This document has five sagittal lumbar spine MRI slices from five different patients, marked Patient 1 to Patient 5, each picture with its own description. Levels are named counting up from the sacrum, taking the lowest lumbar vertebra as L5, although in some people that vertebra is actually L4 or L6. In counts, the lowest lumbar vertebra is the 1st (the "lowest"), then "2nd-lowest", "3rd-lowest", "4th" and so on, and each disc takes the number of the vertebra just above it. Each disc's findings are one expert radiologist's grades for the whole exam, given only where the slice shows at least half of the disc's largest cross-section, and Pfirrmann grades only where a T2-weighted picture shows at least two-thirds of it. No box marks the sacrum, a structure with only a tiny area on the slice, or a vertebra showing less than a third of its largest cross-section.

Patient 1 of 5:
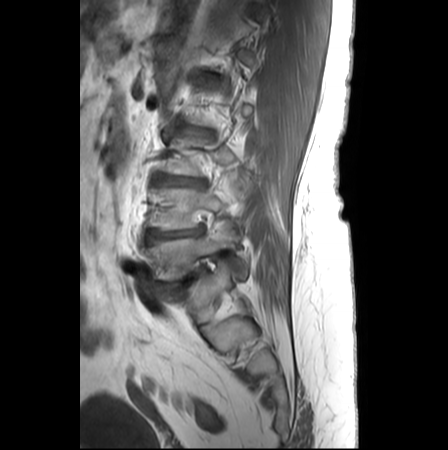
T1-weighted sagittal MRI of the lumbar spine

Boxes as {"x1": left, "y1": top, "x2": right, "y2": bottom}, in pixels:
IVD L2/L3 (4th disc): {"x1": 179, "y1": 125, "x2": 212, "y2": 137}
L4 (2nd-lowest vertebra): {"x1": 147, "y1": 181, "x2": 236, "y2": 229}
L4/L5 (2nd-lowest disc): {"x1": 144, "y1": 226, "x2": 204, "y2": 243}
L5 (lowest vertebra): {"x1": 144, "y1": 218, "x2": 247, "y2": 280}
L5/S1 (lowest disc): {"x1": 160, "y1": 269, "x2": 204, "y2": 291}
L3/L4 (3rd-lowest disc): {"x1": 153, "y1": 174, "x2": 204, "y2": 185}
IVD L1/L2 (5th disc): {"x1": 204, "y1": 74, "x2": 220, "y2": 82}

Radiological gradings:
  L5/S1 (lowest disc): upper-endplate change, disc narrowing, Modic type II, lower-endplate change, disc bulging
  L4/L5 (2nd-lowest disc): upper-endplate change, disc bulging, lower-endplate change, disc narrowing, Modic type II
  L3/L4 (3rd-lowest disc): disc narrowing, Modic type II, upper-endplate change, lower-endplate change, disc bulging

Patient 2 of 5:
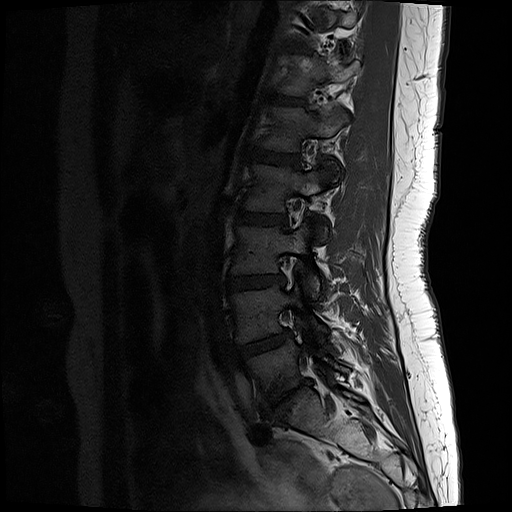
Sagittal T1-weighted lumbar spine MRI | Sex F | Slice 14 of 17
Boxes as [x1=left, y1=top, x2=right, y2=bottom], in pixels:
L4 vertebra — [x1=233, y1=285, x2=321, y2=341].
L4/L5 — [x1=236, y1=330, x2=290, y2=358].
L3 vertebra — [x1=233, y1=223, x2=318, y2=295].
L5 vertebra — [x1=249, y1=340, x2=348, y2=403].
L5/S1 — [x1=261, y1=380, x2=310, y2=415].
L2/L3 — [x1=237, y1=210, x2=286, y2=224].
T12 — [x1=282, y1=55, x2=358, y2=95].
Intervertebral disc T12/L1 — [x1=271, y1=94, x2=302, y2=104].
L1/L2 — [x1=250, y1=148, x2=297, y2=165].
L2 vertebra — [x1=244, y1=164, x2=334, y2=210].
L1 vertebra — [x1=262, y1=108, x2=346, y2=150].
Intervertebral disc L3/L4 — [x1=229, y1=276, x2=283, y2=289].

Expert MSK radiologist gradings (per disc):
  L4/L5: disc bulging
  L3/L4: disc bulging
  L2/L3, T12/L1, L1/L2: no herniation, bulging, narrowing, spondylolisthesis, endplate or Modic change recorded

Patient 3 of 5:
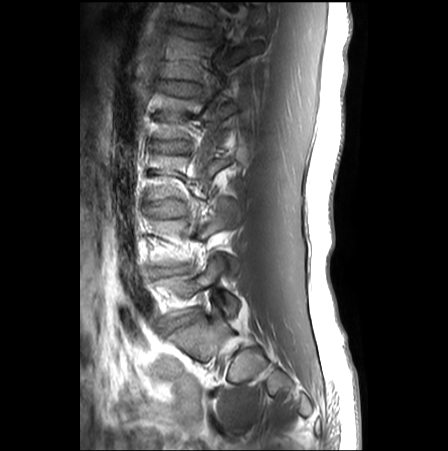
Sex M, MRI lumbar spine (T1-weighted), sagittal plane

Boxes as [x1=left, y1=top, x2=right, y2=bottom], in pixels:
L5 at [x1=153, y1=257, x2=238, y2=317], disc T12/L1 at [x1=178, y1=26, x2=201, y2=37], disc L3/L4 at [x1=147, y1=200, x2=186, y2=217], L1 at [x1=164, y1=37, x2=260, y2=80], disc L1/L2 at [x1=166, y1=82, x2=187, y2=93], disc L2/L3 at [x1=154, y1=142, x2=187, y2=153], disc L4/L5 at [x1=156, y1=267, x2=185, y2=274], disc L5/S1 at [x1=168, y1=312, x2=197, y2=327].

Patient 4 of 5:
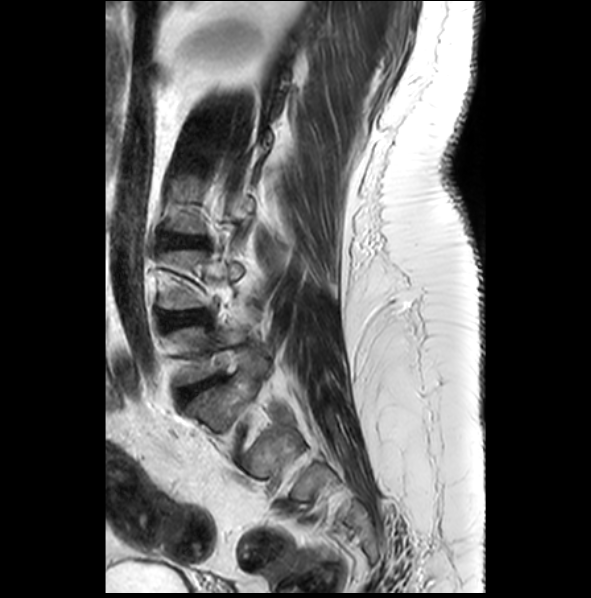 Lumbar spine MR, T2-weighted, sagittal
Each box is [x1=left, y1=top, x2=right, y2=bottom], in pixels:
L5 (lowest vertebra) at [x1=170, y1=307, x2=258, y2=384], L5/S1 (lowest disc) at [x1=181, y1=376, x2=218, y2=401], intervertebral disc L3/L4 (3rd-lowest disc) at [x1=164, y1=233, x2=205, y2=245], L4/L5 (2nd-lowest disc) at [x1=164, y1=312, x2=206, y2=326].

Radiological gradings:
• L3/L4 (3rd-lowest disc): Modic type II, disc narrowing, lower-endplate change, disc bulging, upper-endplate change

Patient 5 of 5:
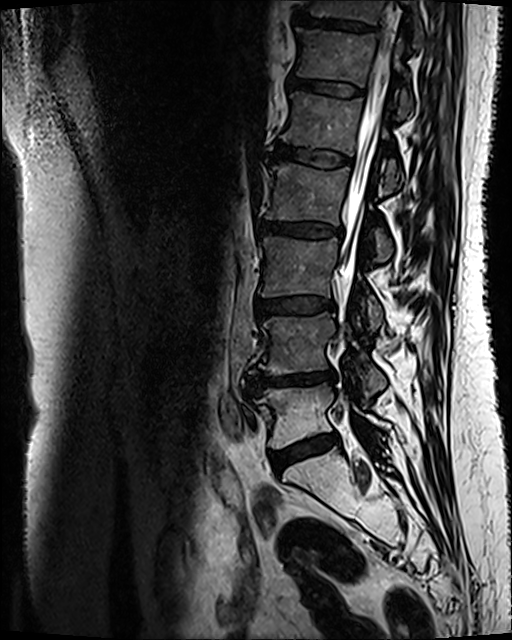 Field of view 240x300 mm, slice spacing 0.9 mm. MRI lumbar spine (T2 SPACE (3D)), sagittal plane.

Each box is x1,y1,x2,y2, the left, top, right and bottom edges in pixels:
thecal sac / spinal canal: 338,43,391,338
7th vertebra: 308,0,423,43
6th disc: 288,78,362,96
3rd-lowest disc: 257,297,334,315
5th disc: 270,141,350,167
lowest disc: 271,435,338,472
3rd-lowest vertebra: 259,235,382,328
7th disc: 296,14,371,31
5th vertebra: 282,92,400,193
2nd-lowest disc: 244,370,335,393
4th vertebra: 267,164,391,261
2nd-lowest vertebra: 249,313,386,396
6th vertebra: 296,28,412,116
4th disc: 259,222,342,236
lowest vertebra: 254,384,388,448

Expert MSK radiologist gradings (per disc):
- 3rd-lowest disc: Pfirrmann grade 3, Modic type II, disc bulging
- 2nd-lowest disc: lower-endplate change, disc narrowing, upper-endplate change, Modic type II, disc bulging
- 7th disc: Pfirrmann grade 4, upper-endplate change, lower-endplate change, Modic type II
- 6th disc: Pfirrmann grade 3, Modic type II
- 5th disc: Pfirrmann grade 3, Modic type II
- 4th disc: Pfirrmann grade 3, disc bulging, Modic type II
- lowest disc: Modic type II, disc bulging